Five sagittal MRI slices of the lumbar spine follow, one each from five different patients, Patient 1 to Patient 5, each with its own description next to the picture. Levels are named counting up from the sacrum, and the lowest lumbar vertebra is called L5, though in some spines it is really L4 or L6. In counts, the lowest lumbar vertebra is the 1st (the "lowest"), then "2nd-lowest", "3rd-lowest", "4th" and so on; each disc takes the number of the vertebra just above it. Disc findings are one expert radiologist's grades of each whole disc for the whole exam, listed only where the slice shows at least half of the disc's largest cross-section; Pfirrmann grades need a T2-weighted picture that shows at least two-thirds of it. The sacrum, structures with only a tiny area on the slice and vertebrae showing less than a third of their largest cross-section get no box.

Patient 1 of 5:
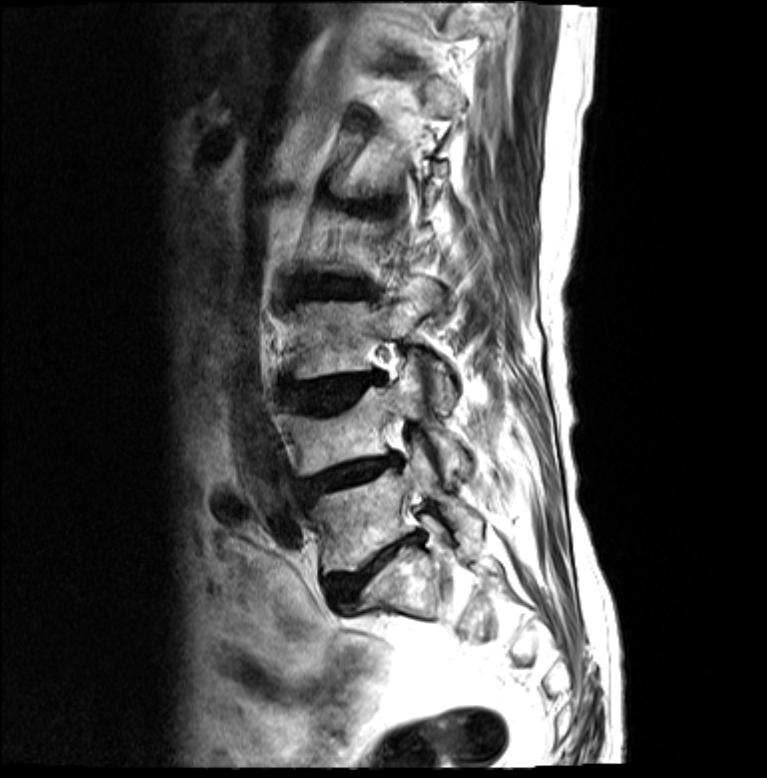
T2-weighted sagittal MRI of the lumbar spine

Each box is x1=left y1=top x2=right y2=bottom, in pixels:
Annotations:
• 2nd-lowest disc: x1=301 y1=456 x2=392 y2=497
• 3rd-lowest disc: x1=282 y1=371 x2=382 y2=412
• 3rd-lowest vertebra: x1=290 y1=284 x2=454 y2=402
• lowest vertebra: x1=303 y1=445 x2=482 y2=574
• lowest disc: x1=325 y1=534 x2=420 y2=605
• 4th disc: x1=291 y1=276 x2=364 y2=300
• 2nd-lowest vertebra: x1=280 y1=358 x2=464 y2=475

Radiological gradings:
  4th disc: lower-endplate change, Modic type II, disc bulging, upper-endplate change, disc narrowing
  2nd-lowest disc: Pfirrmann grade 4, disc narrowing, lower-endplate change, Modic type II, disc bulging, upper-endplate change
  lowest disc: Pfirrmann grade 5, lower-endplate change, upper-endplate change, disc bulging, disc narrowing, Modic type II
  3rd-lowest disc: Pfirrmann grade 4, lower-endplate change, Modic type II, disc bulging, upper-endplate change

Patient 2 of 5:
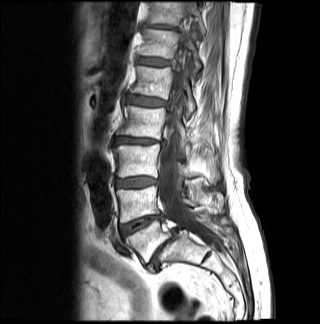 Sagittal T1-weighted lumbar spine MRI; Sagittal slice index 10; Image 320x324

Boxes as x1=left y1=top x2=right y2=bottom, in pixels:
T11 (7th vertebra) at x1=147 y1=1 x2=205 y2=34, intervertebral disc L1/L2 (5th disc) at x1=128 y1=96 x2=167 y2=106, intervertebral disc L3/L4 (3rd-lowest disc) at x1=116 y1=177 x2=158 y2=187, intervertebral disc L5/S1 (lowest disc) at x1=146 y1=227 x2=180 y2=271, L4/L5 (2nd-lowest disc) at x1=120 y1=215 x2=163 y2=235, thecal sac / spinal canal at x1=160 y1=34 x2=215 y2=245, L4 (2nd-lowest vertebra) at x1=116 y1=186 x2=197 y2=222, intervertebral disc T12/L1 (6th disc) at x1=138 y1=58 x2=170 y2=65, L1 (5th vertebra) at x1=131 y1=66 x2=195 y2=117, T11/T12 (7th disc) at x1=145 y1=24 x2=176 y2=29, L5 (lowest vertebra) at x1=125 y1=220 x2=220 y2=262, L2 (4th vertebra) at x1=116 y1=105 x2=192 y2=146, L2/L3 (4th disc) at x1=115 y1=138 x2=165 y2=145, L3 (3rd-lowest vertebra) at x1=113 y1=143 x2=196 y2=177, T12 (6th vertebra) at x1=140 y1=28 x2=201 y2=73.

Per-level radiological findings:
• L3/L4 (3rd-lowest disc): disc bulging
• L1/L2 (5th disc): lower-endplate change, disc bulging
• L4/L5 (2nd-lowest disc): disc narrowing, Modic type II
• L2/L3 (4th disc): disc narrowing, disc bulging, Modic type II
• T11/T12 (7th disc): disc bulging, disc narrowing
• L5/S1 (lowest disc): disc bulging, spondylolisthesis, Modic type II, disc herniation, disc narrowing, upper-endplate change, lower-endplate change
• T12/L1 (6th disc): no spondylolisthesis, narrowing, bulging, herniation, Modic or endplate change recorded

Patient 3 of 5:
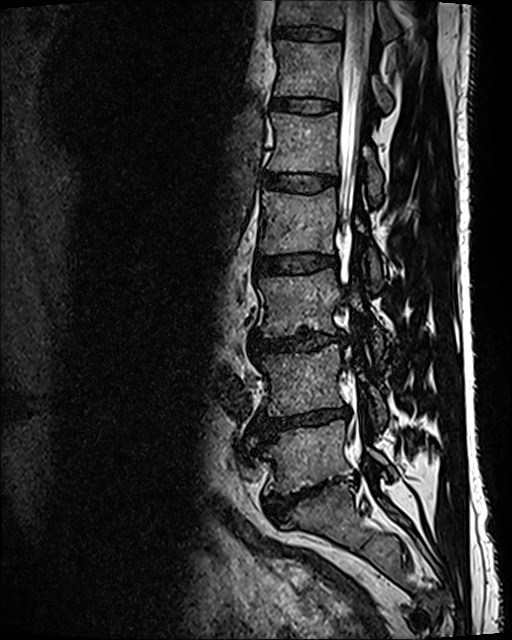 Field of view 240x300 mm, Sex M, Lumbar spine MR, T2 SPACE (3D), sagittal

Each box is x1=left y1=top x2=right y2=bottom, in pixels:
Intervertebral disc L4/L5 (2nd-lowest disc) at x1=257 y1=406 x2=349 y2=439, T11/T12 (7th disc) at x1=271 y1=26 x2=341 y2=40, intervertebral disc L1/L2 (5th disc) at x1=262 y1=172 x2=336 y2=192, L2 (4th vertebra) at x1=259 y1=187 x2=380 y2=289, L3/L4 (3rd-lowest disc) at x1=252 y1=332 x2=343 y2=352, intervertebral disc L2/L3 (4th disc) at x1=255 y1=255 x2=336 y2=275, T12 (6th vertebra) at x1=274 y1=40 x2=392 y2=111, L4 (2nd-lowest vertebra) at x1=257 y1=345 x2=387 y2=426, T12/L1 (6th disc) at x1=273 y1=97 x2=336 y2=113, L3 (3rd-lowest vertebra) at x1=259 y1=269 x2=382 y2=353, L1 (5th vertebra) at x1=268 y1=112 x2=382 y2=199, thecal sac / spinal canal at x1=338 y1=1 x2=373 y2=434, T11 (7th vertebra) at x1=274 y1=0 x2=431 y2=42, L5 (lowest vertebra) at x1=263 y1=420 x2=395 y2=495, intervertebral disc L5/S1 (lowest disc) at x1=264 y1=480 x2=331 y2=522.

Radiological gradings:
  L2/L3 (4th disc): Pfirrmann grade 2
  T12/L1 (6th disc): Pfirrmann grade 2
  L3/L4 (3rd-lowest disc): Pfirrmann grade 3, disc bulging, disc narrowing
  T11/T12 (7th disc): Pfirrmann grade 2
  L5/S1 (lowest disc): disc bulging, spondylolisthesis, disc narrowing, lower-endplate change
  L1/L2 (5th disc): Pfirrmann grade 2
  L4/L5 (2nd-lowest disc): Pfirrmann grade 5, lower-endplate change, disc narrowing, Modic type II, disc bulging

Patient 4 of 5:
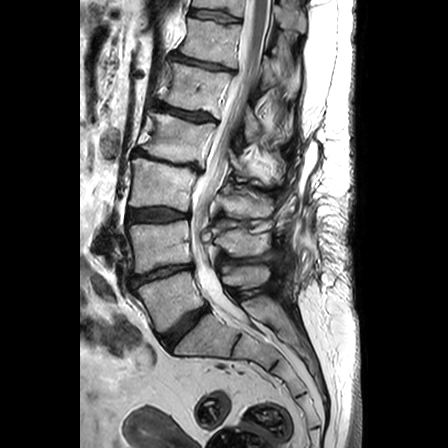 T2-weighted sagittal MRI of the lumbar spine, Sex F, Image 448x448

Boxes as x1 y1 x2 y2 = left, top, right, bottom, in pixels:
T12 = 179 18 299 91 | L5 = 135 265 269 332 | disc L1/L2 = 156 102 212 121 | L4 = 128 220 269 273 | thecal sac / spinal canal = 191 0 269 313 | L5/S1 = 160 306 208 348 | disc L4/L5 = 130 263 192 286 | L1 = 163 63 261 141 | L3/L4 = 128 207 189 222 | L3 vertebra = 128 158 273 217 | disc L2/L3 = 133 149 200 171 | L2 vertebra = 143 112 248 178 | T11 = 193 0 306 32 | T12/L1 = 171 53 227 69 | T11/T12 = 190 9 238 21

Radiological gradings:
  L3/L4: Pfirrmann grade 3, disc bulging
  L1/L2: Pfirrmann grade 3, disc narrowing, Modic type II
  T11/T12: Pfirrmann grade 1
  L4/L5: Pfirrmann grade 4, disc narrowing, disc bulging
  L5/S1: Pfirrmann grade 3, disc bulging
  T12/L1: Pfirrmann grade 3, disc narrowing

Patient 5 of 5:
512x640 px | Lumbar spine MR, T2 SPACE (3D), sagittal 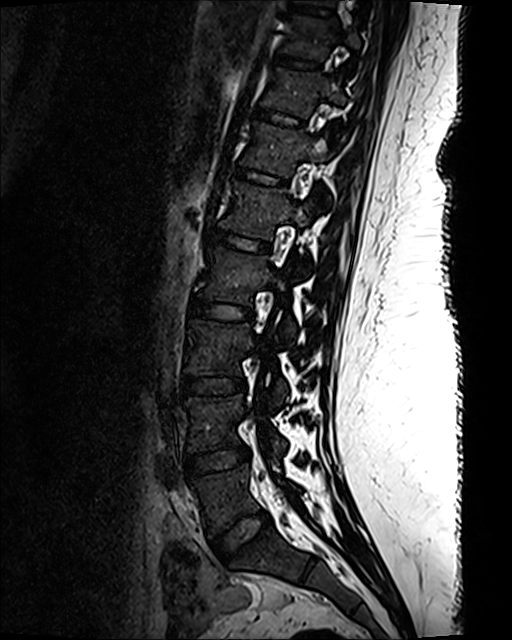

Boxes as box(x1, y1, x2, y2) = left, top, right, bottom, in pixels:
T10 (8th vertebra) at box(282, 16, 360, 59); disc L3/L4 (3rd-lowest disc) at box(182, 376, 245, 395); L4/L5 (2nd-lowest disc) at box(186, 447, 250, 476); disc T10/T11 (8th disc) at box(275, 54, 320, 68); L4 (2nd-lowest vertebra) at box(184, 394, 286, 455); L1 (5th vertebra) at box(219, 183, 311, 270); L2/L3 (4th disc) at box(189, 298, 252, 319); L3 (3rd-lowest vertebra) at box(186, 319, 287, 405); disc L1/L2 (5th disc) at box(211, 230, 269, 252); disc T12/L1 (6th disc) at box(236, 168, 286, 185); T12 (6th vertebra) at box(242, 122, 329, 199); L5 (lowest vertebra) at box(191, 463, 299, 537); disc L5/S1 (lowest disc) at box(212, 511, 270, 563); T11 (7th vertebra) at box(261, 68, 347, 138); disc T11/T12 (7th disc) at box(255, 109, 304, 127); L2 (4th vertebra) at box(201, 247, 295, 342).

Degenerative findings by level:
- T12/L1 (6th disc): Pfirrmann grade 1
- L5/S1 (lowest disc): Pfirrmann grade 1
- T11/T12 (7th disc): Pfirrmann grade 1
- L4/L5 (2nd-lowest disc): Pfirrmann grade 1
- T10/T11 (8th disc): Pfirrmann grade 1
- L2/L3 (4th disc): Pfirrmann grade 1
- L3/L4 (3rd-lowest disc): Pfirrmann grade 1
- L1/L2 (5th disc): Pfirrmann grade 1